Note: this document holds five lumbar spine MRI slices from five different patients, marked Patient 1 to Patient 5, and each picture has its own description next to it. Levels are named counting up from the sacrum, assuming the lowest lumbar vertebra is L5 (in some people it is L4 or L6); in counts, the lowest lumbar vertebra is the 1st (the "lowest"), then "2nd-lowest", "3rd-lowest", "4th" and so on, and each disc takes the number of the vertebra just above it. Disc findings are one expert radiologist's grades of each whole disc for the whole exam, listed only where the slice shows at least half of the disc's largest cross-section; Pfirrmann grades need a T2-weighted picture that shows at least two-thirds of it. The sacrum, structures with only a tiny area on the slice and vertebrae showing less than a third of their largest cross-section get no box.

Patient 1 of 5:
Lumbar spine MR, T2-weighted, sagittal, Slice 8 of 21, Scanner: Philips Medical Systems Ingenia (1.5T)

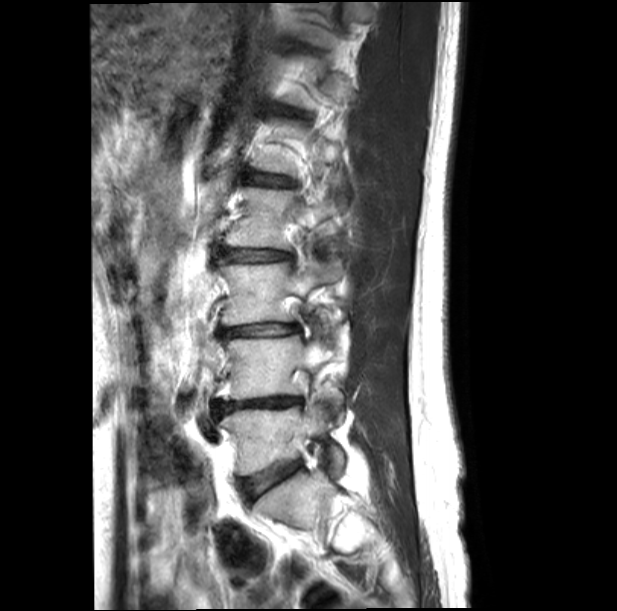
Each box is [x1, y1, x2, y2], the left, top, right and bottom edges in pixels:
L4 vertebra: [216, 335, 343, 407].
L5: [222, 406, 344, 475].
L2: [227, 186, 346, 249].
L3/L4: [222, 324, 300, 337].
Disc L1/L2: [243, 172, 292, 186].
L3 vertebra: [220, 261, 340, 325].
L4/L5: [217, 397, 300, 413].
L5/S1: [243, 462, 298, 497].
L2/L3: [225, 249, 289, 261].

Radiological gradings:
- L5/S1: disc bulging
- L4/L5: Pfirrmann grade 5, lower-endplate change, upper-endplate change, disc bulging, disc narrowing
- L2/L3: disc bulging, upper-endplate change, lower-endplate change
- L3/L4: Pfirrmann grade 3, upper-endplate change, disc bulging, disc narrowing, lower-endplate change

Patient 2 of 5:
SIEMENS Avanto_fit (1.5T); T1-weighted sagittal MRI of the lumbar spine
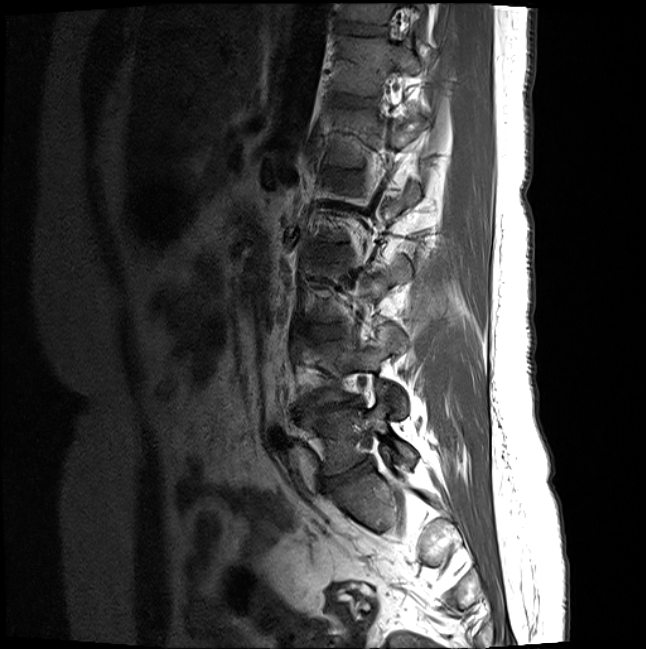
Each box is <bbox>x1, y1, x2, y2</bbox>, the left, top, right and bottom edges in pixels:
Disc T12/L1 at <bbox>329, 92, 376, 105</bbox>, L1/L2 at <bbox>323, 167, 356, 179</bbox>, L4 at <bbox>298, 326, 408, 414</bbox>, L5 vertebra at <bbox>303, 389, 415, 475</bbox>, L1 vertebra at <bbox>325, 106, 428, 166</bbox>, T12 at <bbox>332, 32, 421, 94</bbox>, L2/L3 at <bbox>309, 244, 348, 256</bbox>, disc L5/S1 at <bbox>320, 460, 371, 490</bbox>, disc L3/L4 at <bbox>301, 323, 346, 341</bbox>, L3 at <bbox>303, 257, 411, 321</bbox>, L4/L5 at <bbox>294, 397, 362, 415</bbox>, T11 vertebra at <bbox>341, 1, 425, 38</bbox>, disc T11/T12 at <bbox>335, 21, 386, 33</bbox>.

Degenerative findings by level:
• L4/L5: Modic type II, upper-endplate change, disc bulging, lower-endplate change, disc narrowing
• T12/L1, T11/T12: no herniation, bulging, narrowing, spondylolisthesis, endplate or Modic change recorded

Patient 3 of 5:
Lumbar spine MR, T2-weighted, sagittal; Scanner: Philips Medical Systems Ingenia (1.5T); Field of view 308x308 mm

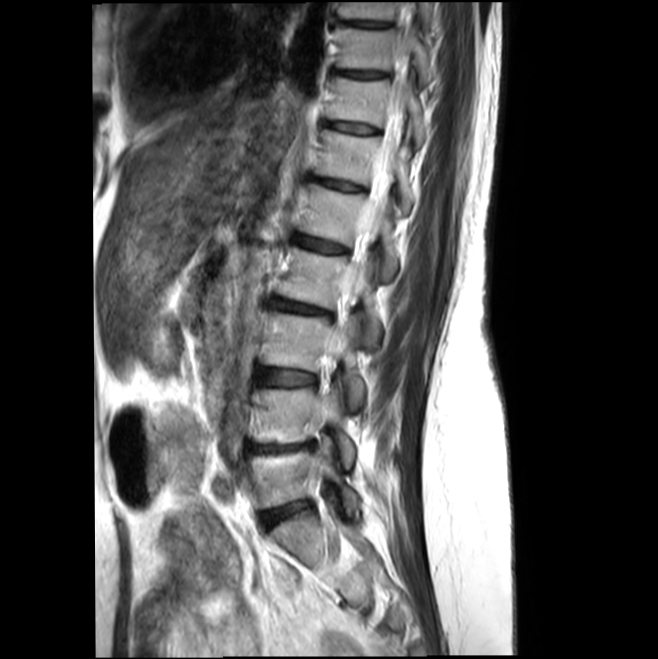

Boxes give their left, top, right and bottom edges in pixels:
5th disc — left=296, top=236, right=350, bottom=253.
4th disc — left=269, top=299, right=333, bottom=320.
5th vertebra — left=300, top=185, right=396, bottom=278.
7th disc — left=325, top=121, right=381, bottom=134.
2nd-lowest vertebra — left=253, top=387, right=354, bottom=468.
Lowest vertebra — left=251, top=437, right=359, bottom=510.
3rd-lowest vertebra — left=264, top=313, right=364, bottom=406.
6th vertebra — left=315, top=130, right=411, bottom=213.
Spinal canal — left=331, top=2, right=414, bottom=347.
9th disc — left=338, top=20, right=387, bottom=27.
2nd-lowest disc — left=252, top=440, right=315, bottom=450.
6th disc — left=317, top=180, right=367, bottom=191.
7th vertebra — left=327, top=76, right=424, bottom=144.
9th vertebra — left=337, top=2, right=435, bottom=30.
8th disc — left=334, top=70, right=382, bottom=78.
3rd-lowest disc — left=259, top=368, right=315, bottom=385.
8th vertebra — left=334, top=27, right=432, bottom=84.
4th vertebra — left=281, top=248, right=379, bottom=344.
Lowest disc — left=261, top=503, right=305, bottom=525.

Degenerative findings by level:
- 4th disc: Pfirrmann grade 2, disc bulging
- 7th disc: Pfirrmann grade 2
- 8th disc: Pfirrmann grade 2
- 3rd-lowest disc: Pfirrmann grade 2, Modic type II, disc bulging
- 6th disc: Pfirrmann grade 2
- 2nd-lowest disc: upper-endplate change, Modic type II, lower-endplate change, disc bulging
- 5th disc: Pfirrmann grade 2
- 9th disc: Pfirrmann grade 2

Patient 4 of 5:
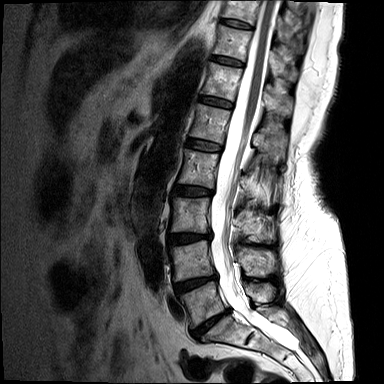

T2-weighted sagittal MRI of the lumbar spine.

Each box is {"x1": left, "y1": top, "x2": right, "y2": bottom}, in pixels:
Segmented structures:
• 8th vertebra = {"x1": 223, "y1": 0, "x2": 301, "y2": 52}
• 2nd-lowest vertebra = {"x1": 169, "y1": 241, "x2": 274, "y2": 281}
• 7th disc = {"x1": 212, "y1": 55, "x2": 242, "y2": 66}
• 7th vertebra = {"x1": 214, "y1": 24, "x2": 298, "y2": 81}
• 6th disc = {"x1": 200, "y1": 96, "x2": 232, "y2": 108}
• 2nd-lowest disc = {"x1": 173, "y1": 276, "x2": 216, "y2": 294}
• 4th vertebra = {"x1": 177, "y1": 149, "x2": 279, "y2": 205}
• 4th disc = {"x1": 173, "y1": 185, "x2": 213, "y2": 196}
• lowest disc = {"x1": 191, "y1": 309, "x2": 228, "y2": 339}
• thecal sac / spinal canal = {"x1": 211, "y1": 0, "x2": 292, "y2": 350}
• 3rd-lowest vertebra = {"x1": 169, "y1": 197, "x2": 275, "y2": 243}
• 5th disc = {"x1": 186, "y1": 139, "x2": 221, "y2": 151}
• 6th vertebra = {"x1": 202, "y1": 62, "x2": 293, "y2": 116}
• lowest vertebra = {"x1": 179, "y1": 282, "x2": 274, "y2": 328}
• 8th disc = {"x1": 220, "y1": 18, "x2": 252, "y2": 29}
• 5th vertebra = {"x1": 190, "y1": 104, "x2": 287, "y2": 162}
• 3rd-lowest disc = {"x1": 168, "y1": 233, "x2": 211, "y2": 246}

Degenerative findings by level:
- 5th disc: Pfirrmann grade 3, Modic type II
- 7th disc: Pfirrmann grade 3
- 4th disc: Pfirrmann grade 3, Modic type II, disc bulging
- 8th disc: Pfirrmann grade 2
- 2nd-lowest disc: Pfirrmann grade 4, disc narrowing, disc bulging
- lowest disc: Pfirrmann grade 5, Modic type II, disc narrowing, disc bulging
- 6th disc: Pfirrmann grade 3
- 3rd-lowest disc: Pfirrmann grade 4, disc narrowing, disc bulging

Patient 5 of 5:
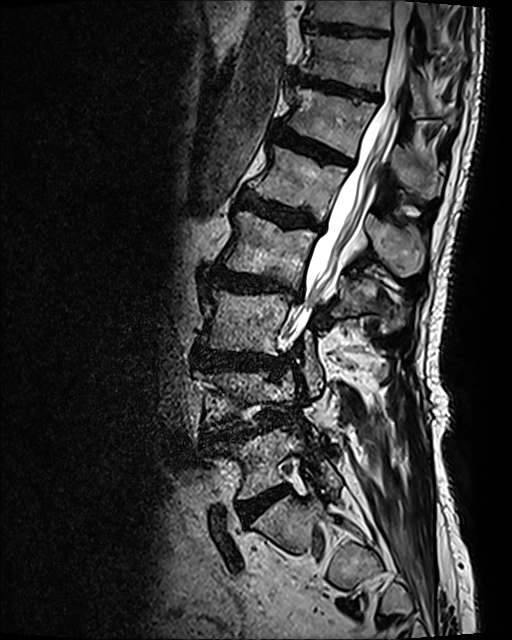

Sagittal T2 SPACE (3D) lumbar spine MRI | 512x640 px | Slice 80 of 120 | Field of view 240x300 mm

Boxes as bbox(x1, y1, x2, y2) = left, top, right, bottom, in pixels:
* disc T11/T12: bbox(291, 69, 380, 100)
* L5: bbox(215, 428, 341, 499)
* L1 vertebra: bbox(250, 145, 427, 277)
* L3/L4: bbox(193, 347, 284, 372)
* L4/L5: bbox(207, 425, 253, 439)
* L3: bbox(200, 288, 323, 395)
* T11: bbox(302, 32, 457, 124)
* disc L1/L2: bbox(240, 194, 317, 228)
* disc L5/S1: bbox(238, 486, 287, 522)
* L2 vertebra: bbox(222, 210, 407, 331)
* L4: bbox(196, 371, 294, 429)
* T10/T11: bbox(305, 22, 388, 39)
* T12/L1: bbox(275, 126, 351, 165)
* thecal sac / spinal canal: bbox(290, 1, 413, 334)
* disc L2/L3: bbox(210, 266, 300, 296)
* T12: bbox(286, 87, 442, 196)
* T10: bbox(304, 0, 435, 45)

Per-level radiological findings:
- L3/L4: Pfirrmann grade 4, lower-endplate change, disc bulging, upper-endplate change
- T10/T11: Pfirrmann grade 3
- T12/L1: Pfirrmann grade 4, lower-endplate change, disc bulging, upper-endplate change, Modic type II
- L2/L3: Pfirrmann grade 4, upper-endplate change, disc narrowing, lower-endplate change, Modic type I, disc bulging
- L1/L2: Pfirrmann grade 4, lower-endplate change, disc bulging, upper-endplate change, Modic type II
- T11/T12: Pfirrmann grade 4, lower-endplate change, upper-endplate change, disc bulging